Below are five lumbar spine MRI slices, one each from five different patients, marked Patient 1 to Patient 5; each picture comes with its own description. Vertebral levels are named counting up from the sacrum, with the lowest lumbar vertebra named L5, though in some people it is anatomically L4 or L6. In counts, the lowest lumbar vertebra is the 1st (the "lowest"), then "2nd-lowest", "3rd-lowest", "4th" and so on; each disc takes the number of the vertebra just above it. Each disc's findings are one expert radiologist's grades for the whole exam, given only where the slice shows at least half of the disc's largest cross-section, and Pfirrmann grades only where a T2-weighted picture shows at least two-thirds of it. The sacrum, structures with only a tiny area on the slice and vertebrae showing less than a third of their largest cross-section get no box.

Patient 1 of 5:
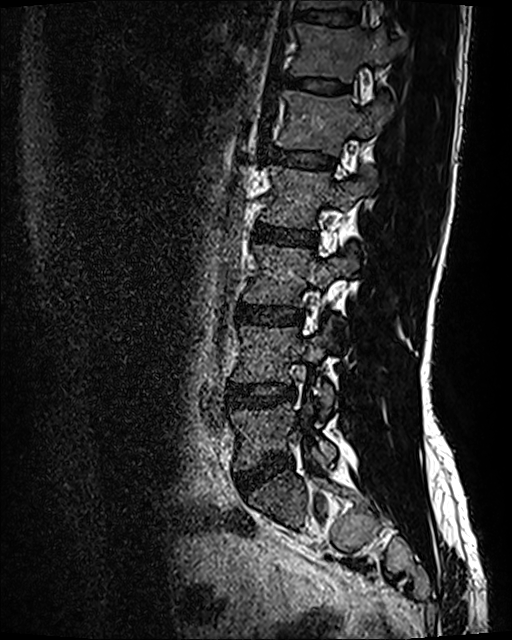 T2 SPACE (3D) sagittal MRI of the lumbar spine | Slice spacing 0.9 mm
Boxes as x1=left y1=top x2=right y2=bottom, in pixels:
* IVD T11/T12 — x1=292 y1=10 x2=361 y2=27
* IVD L3/L4 — x1=237 y1=304 x2=302 y2=325
* L5/S1 — x1=237 y1=454 x2=292 y2=494
* L1/L2 — x1=270 y1=147 x2=334 y2=168
* T12 vertebra — x1=290 y1=23 x2=405 y2=83
* IVD T12/L1 — x1=285 y1=76 x2=348 y2=92
* L1 — x1=275 y1=89 x2=391 y2=156
* L4 — x1=232 y1=326 x2=333 y2=414
* L2 — x1=260 y1=165 x2=376 y2=229
* L3 vertebra — x1=243 y1=244 x2=358 y2=305
* T11 — x1=294 y1=0 x2=363 y2=10
* L2/L3 — x1=253 y1=224 x2=316 y2=247
* IVD L4/L5 — x1=229 y1=382 x2=295 y2=406
* L5 vertebra — x1=230 y1=402 x2=336 y2=471

Radiological gradings:
  L2/L3: Pfirrmann grade 2
  T11/T12: Pfirrmann grade 2
  T12/L1: Pfirrmann grade 2
  L3/L4: disc bulging
  L5/S1: disc bulging
  L1/L2: Pfirrmann grade 2
  L4/L5: disc bulging

Patient 2 of 5:
Slice spacing 3.3 mm, T1-weighted sagittal MRI of the lumbar spine

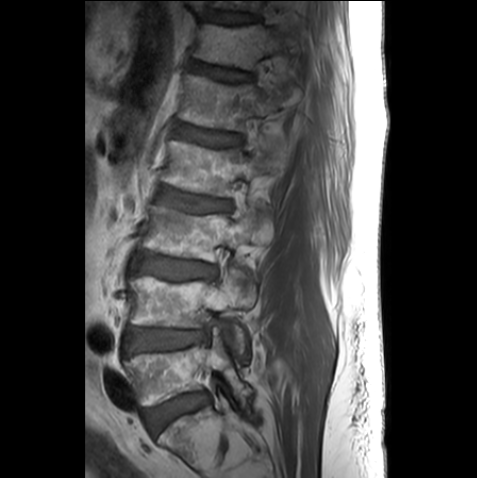
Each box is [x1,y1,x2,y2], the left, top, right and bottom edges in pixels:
Annotations:
* L4 (2nd-lowest vertebra): [128,268,253,361]
* T12/L1 (6th disc): [191,62,253,81]
* L1 (5th vertebra): [179,75,298,130]
* L5/S1 (lowest disc): [146,393,205,434]
* IVD L1/L2 (5th disc): [176,126,242,146]
* L4/L5 (2nd-lowest disc): [124,327,206,352]
* IVD T11/T12 (7th disc): [206,11,258,24]
* L2 (4th vertebra): [162,140,283,196]
* L5 (lowest vertebra): [123,336,251,405]
* IVD L2/L3 (4th disc): [156,186,231,211]
* L3 (3rd-lowest vertebra): [140,205,269,262]
* T12 (6th vertebra): [194,24,301,69]
* L3/L4 (3rd-lowest disc): [137,252,217,279]

Per-level radiological findings:
- L2/L3 (4th disc): upper-endplate change
- T12/L1 (6th disc): upper-endplate change
- L4/L5 (2nd-lowest disc): lower-endplate change
- L3/L4 (3rd-lowest disc), L1/L2 (5th disc), L5/S1 (lowest disc): no herniation, bulging, narrowing, spondylolisthesis, endplate or Modic change recorded

Patient 3 of 5:
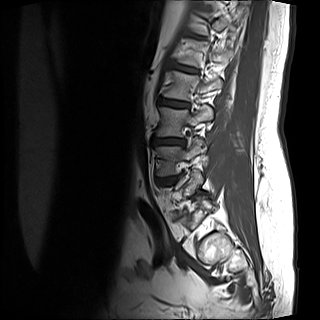 Image 320x320; Patient sex: M; MRI lumbar spine (T1-weighted), sagittal plane

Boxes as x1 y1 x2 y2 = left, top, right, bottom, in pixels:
3rd-lowest vertebra: 158 137 206 175
4th vertebra: 155 105 213 136
5th vertebra: 164 71 222 100
5th disc: 159 98 189 107
6th disc: 174 64 198 73
6th vertebra: 179 39 233 66
4th disc: 152 138 184 145

Per-level radiological findings:
  4th disc: disc narrowing, disc bulging
  6th disc, 5th disc: no herniation, bulging, narrowing, spondylolisthesis, endplate or Modic change recorded

Patient 4 of 5:
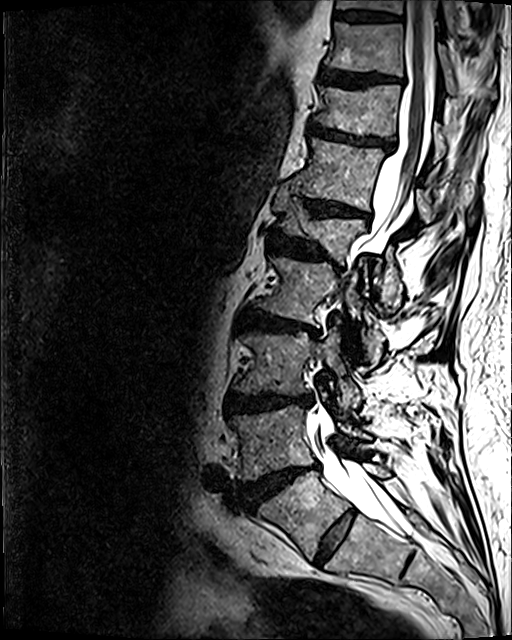
Field of view 240x300 mm, slice spacing 0.9 mm, Sagittal T2 SPACE (3D) lumbar spine MRI, Sagittal slice index 72, 512x640 px
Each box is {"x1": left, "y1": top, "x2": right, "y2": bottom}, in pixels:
* T12 — {"x1": 290, "y1": 137, "x2": 434, "y2": 223}
* L1 — {"x1": 274, "y1": 186, "x2": 398, "y2": 297}
* L2 — {"x1": 255, "y1": 256, "x2": 380, "y2": 360}
* L1/L2 — {"x1": 268, "y1": 233, "x2": 339, "y2": 268}
* L2/L3 — {"x1": 241, "y1": 311, "x2": 319, "y2": 337}
* L4 vertebra — {"x1": 232, "y1": 405, "x2": 372, "y2": 480}
* T10 vertebra — {"x1": 325, "y1": 22, "x2": 496, "y2": 100}
* T12/L1 — {"x1": 305, "y1": 200, "x2": 369, "y2": 219}
* L5/S1 — {"x1": 314, "y1": 510, "x2": 355, "y2": 564}
* thecal sac / spinal canal — {"x1": 306, "y1": 0, "x2": 435, "y2": 535}
* L3/L4 — {"x1": 227, "y1": 393, "x2": 312, "y2": 414}
* T9 vertebra — {"x1": 337, "y1": 0, "x2": 459, "y2": 33}
* L4/L5 — {"x1": 243, "y1": 463, "x2": 319, "y2": 506}
* disc T10/T11 — {"x1": 320, "y1": 68, "x2": 402, "y2": 87}
* L3 vertebra — {"x1": 235, "y1": 326, "x2": 360, "y2": 410}
* L5 — {"x1": 259, "y1": 463, "x2": 389, "y2": 559}
* T11 — {"x1": 314, "y1": 84, "x2": 446, "y2": 161}
* T9/T10 — {"x1": 335, "y1": 10, "x2": 400, "y2": 21}
* disc T11/T12 — {"x1": 309, "y1": 122, "x2": 391, "y2": 151}

Degenerative findings by level:
- T11/T12: Pfirrmann grade 4, upper-endplate change, disc narrowing, disc bulging, lower-endplate change
- L3/L4: Pfirrmann grade 4, disc bulging, upper-endplate change, lower-endplate change, disc narrowing
- T9/T10: Pfirrmann grade 3, lower-endplate change
- T12/L1: lower-endplate change, upper-endplate change, disc bulging, disc narrowing
- T10/T11: Pfirrmann grade 4, upper-endplate change, disc bulging, lower-endplate change
- L4/L5: Pfirrmann grade 5, disc narrowing, lower-endplate change, upper-endplate change, disc bulging, Modic type II, disc herniation
- L2/L3: disc narrowing, disc bulging, upper-endplate change, lower-endplate change, Modic type II
- L1/L2: Pfirrmann grade 4, disc bulging, disc narrowing, lower-endplate change, upper-endplate change
- L5/S1: Pfirrmann grade 2

Patient 5 of 5:
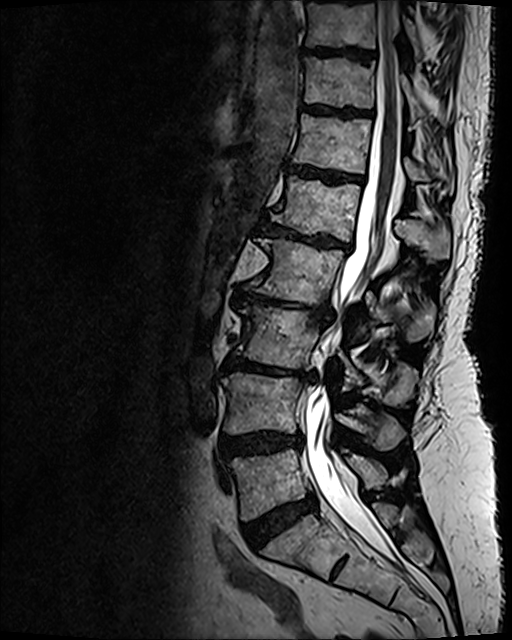 Slice 56 of 120; Image 512x640; Lumbar spine MR, T2 SPACE (3D), sagittal
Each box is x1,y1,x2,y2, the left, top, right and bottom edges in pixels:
L1/L2 at 261,222,350,250; IVD T11/T12 at 305,106,369,115; L2/L3 at 235,288,331,322; L3 vertebra at 237,306,416,405; thecal sac / spinal canal at 304,0,399,560; L4 vertebra at 222,373,405,449; L2 vertebra at 253,238,435,342; L1 at 271,176,450,258; L4/L5 at 221,432,302,458; L3/L4 at 224,356,315,379; L5 vertebra at 229,449,387,519; T10 vertebra at 306,0,422,57; T10/T11 at 307,48,370,57; T12/L1 at 290,165,362,182; T11 at 304,58,426,120; T12 at 293,113,453,192; L5/S1 at 243,494,316,548.

Expert MSK radiologist gradings (per disc):
  L2/L3: Pfirrmann grade 5, upper-endplate change, lower-endplate change, disc narrowing, disc bulging, Modic type II
  L4/L5: Pfirrmann grade 4, upper-endplate change, lower-endplate change, disc bulging
  T11/T12: Pfirrmann grade 4, upper-endplate change, lower-endplate change
  T10/T11: Pfirrmann grade 4, lower-endplate change, upper-endplate change
  L3/L4: upper-endplate change, Modic type II, disc bulging, disc narrowing, lower-endplate change
  L5/S1: Pfirrmann grade 4, disc bulging
  L1/L2: Pfirrmann grade 5, lower-endplate change, disc bulging, upper-endplate change, Modic type II, disc narrowing
  T12/L1: Pfirrmann grade 4, lower-endplate change, Modic type II, upper-endplate change